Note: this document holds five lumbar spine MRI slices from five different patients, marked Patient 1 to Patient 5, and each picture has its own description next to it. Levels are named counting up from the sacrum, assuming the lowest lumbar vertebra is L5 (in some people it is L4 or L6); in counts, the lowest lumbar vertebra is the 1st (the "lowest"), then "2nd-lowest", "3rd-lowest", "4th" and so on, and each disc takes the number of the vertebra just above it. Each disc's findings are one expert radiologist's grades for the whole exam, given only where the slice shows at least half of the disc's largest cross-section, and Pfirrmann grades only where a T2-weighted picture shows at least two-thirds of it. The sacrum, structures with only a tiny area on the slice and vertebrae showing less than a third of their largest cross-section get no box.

Patient 1 of 5:
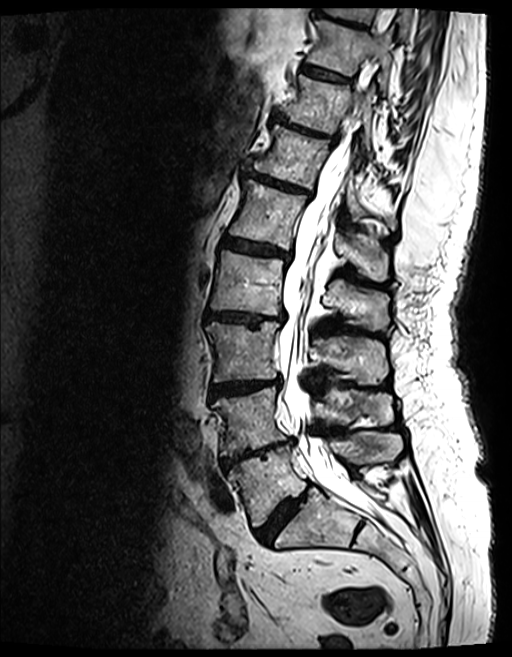

Image 512x657, Patient sex: F, MRI lumbar spine (T2 SPACE (3D)), sagittal plane
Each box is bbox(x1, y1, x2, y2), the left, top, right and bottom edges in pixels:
T10/T11 (8th disc) at bbox(302, 63, 350, 82); L3 (3rd-lowest vertebra) at bbox(206, 323, 387, 383); spinal canal at bbox(279, 68, 375, 515); intervertebral disc L3/L4 (3rd-lowest disc) at bbox(211, 380, 279, 396); T9/T10 (9th disc) at bbox(317, 6, 367, 28); L2/L3 (4th disc) at bbox(205, 310, 284, 324); T12/L1 (6th disc) at bbox(245, 170, 311, 196); L1 (5th vertebra) at bbox(229, 180, 388, 281); T12 (6th vertebra) at bbox(253, 125, 395, 229); L5 (lowest vertebra) at bbox(228, 433, 402, 526); L4/L5 (2nd-lowest disc) at bbox(221, 439, 293, 468); L4 (2nd-lowest vertebra) at bbox(212, 387, 393, 455); L2 (4th vertebra) at bbox(211, 250, 388, 329); L1/L2 (5th disc) at bbox(224, 238, 288, 260); intervertebral disc T11/T12 (7th disc) at bbox(273, 113, 336, 141); T10 (8th vertebra) at bbox(306, 20, 392, 90); T11 (7th vertebra) at bbox(280, 75, 373, 155); T9 (9th vertebra) at bbox(328, 8, 411, 39); intervertebral disc L5/S1 (lowest disc) at bbox(256, 485, 310, 543).

Per-level radiological findings:
• T11/T12 (7th disc): Pfirrmann grade 5, lower-endplate change, Modic type II, disc narrowing, disc bulging, upper-endplate change
• T10/T11 (8th disc): Pfirrmann grade 4, lower-endplate change, Modic type II, upper-endplate change
• L5/S1 (lowest disc): Pfirrmann grade 4, disc narrowing, disc bulging
• L2/L3 (4th disc): Pfirrmann grade 4, lower-endplate change, disc bulging, upper-endplate change, disc narrowing, Modic type II
• L1/L2 (5th disc): Pfirrmann grade 4, Modic type II, lower-endplate change, disc narrowing, disc bulging, upper-endplate change
• L3/L4 (3rd-lowest disc): Pfirrmann grade 4, lower-endplate change, disc bulging, upper-endplate change, Modic type II, disc narrowing
• L4/L5 (2nd-lowest disc): disc bulging, Modic type II, upper-endplate change, lower-endplate change, disc narrowing
• T9/T10 (9th disc): lower-endplate change, upper-endplate change, Modic type II, disc bulging
• T12/L1 (6th disc): Pfirrmann grade 4, lower-endplate change, upper-endplate change, Modic type II, disc bulging, disc narrowing

Patient 2 of 5:
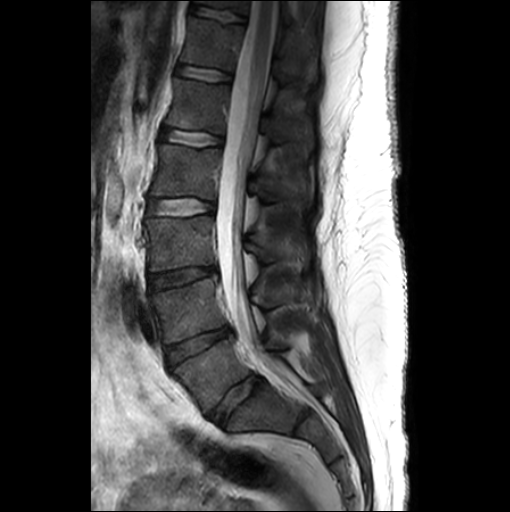
Patient sex: F; Sagittal T2-weighted lumbar spine MRI; 510x512 px; Slice 14 of 26
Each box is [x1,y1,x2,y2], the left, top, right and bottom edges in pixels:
T11 at [198,0,296,26], L4/L5 at [166,326,231,365], L2/L3 at [147,198,214,215], spinal canal at [216,0,277,362], L5 vertebra at [173,339,284,412], L3 at [144,216,302,271], L3/L4 at [148,267,216,290], intervertebral disc T11/T12 at [190,4,245,22], intervertebral disc L5/S1 at [208,375,263,425], L2 vertebra at [151,144,292,205], L4 at [149,278,290,343], intervertebral disc L1/L2 at [160,128,222,146], L1 vertebra at [166,77,280,140], T12 vertebra at [181,17,286,81], T12/L1 at [175,64,231,81].

Degenerative findings by level:
- L4/L5: Pfirrmann grade 3, disc bulging, disc narrowing
- T12/L1: Pfirrmann grade 1
- L2/L3: Pfirrmann grade 1
- L5/S1: Pfirrmann grade 3, disc bulging
- L3/L4: Pfirrmann grade 3, disc narrowing, disc bulging
- T11/T12: Pfirrmann grade 1
- L1/L2: Pfirrmann grade 1

Patient 3 of 5:
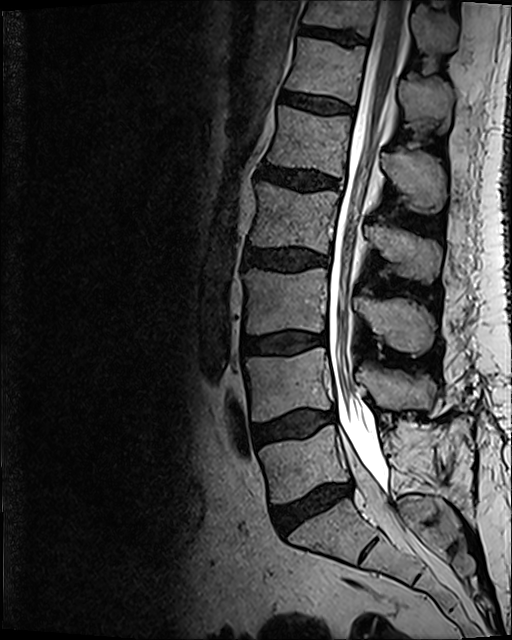
Slice spacing 0.9 mm; Patient sex: M; 512x640 px; Lumbar spine MR, T2 SPACE (3D), sagittal

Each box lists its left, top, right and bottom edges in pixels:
4th vertebra at left=251, top=182, right=441, bottom=282; 5th disc at left=258, top=161, right=337, bottom=190; 2nd-lowest disc at left=253, top=408, right=335, bottom=444; spinal canal at left=329, top=0, right=409, bottom=510; 2nd-lowest vertebra at left=246, top=350, right=436, bottom=421; lowest disc at left=272, top=486, right=351, bottom=533; 3rd-lowest vertebra at left=244, top=268, right=436, bottom=353; 7th vertebra at left=302, top=0, right=460, bottom=50; 6th disc at left=281, top=93, right=353, bottom=113; 5th vertebra at left=267, top=106, right=445, bottom=212; 3rd-lowest disc at left=244, top=332, right=320, bottom=354; lowest vertebra at left=259, top=424, right=433, bottom=503; 6th vertebra at left=286, top=38, right=453, bottom=130; 4th disc at left=243, top=247, right=327, bottom=270; 7th disc at left=299, top=25, right=365, bottom=45.

Per-level radiological findings:
• lowest disc: Pfirrmann grade 3, Modic type II, disc bulging, disc narrowing
• 4th disc: Pfirrmann grade 3, disc bulging
• 7th disc: Pfirrmann grade 3
• 6th disc: Pfirrmann grade 2
• 5th disc: Pfirrmann grade 3, disc bulging
• 3rd-lowest disc: Pfirrmann grade 2, disc bulging, Modic type II
• 2nd-lowest disc: Pfirrmann grade 2, disc bulging, Modic type II

Patient 4 of 5:
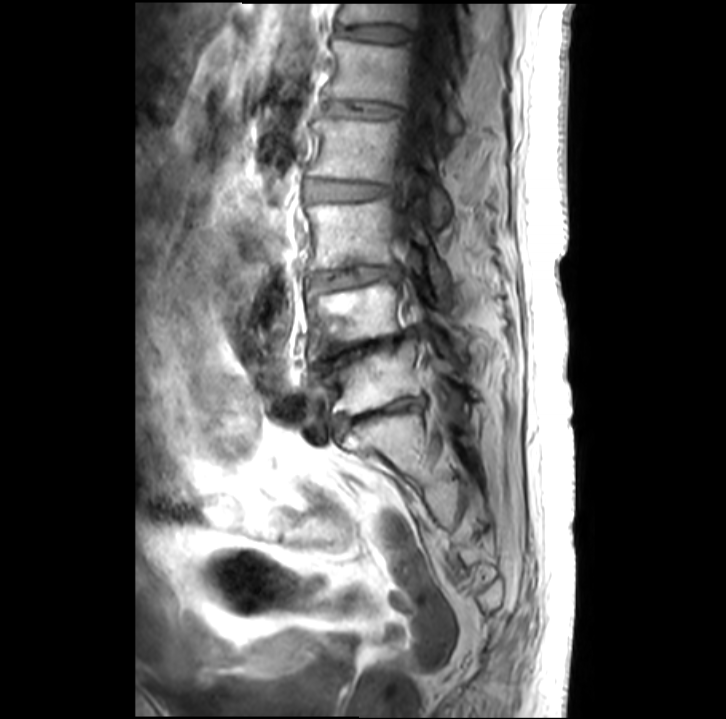
Image 726x719. Lumbar spine MR, T1-weighted, sagittal.
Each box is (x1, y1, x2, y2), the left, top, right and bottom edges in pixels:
Intervertebral disc L5/S1 at (333, 397, 423, 431), T12/L1 at (338, 24, 410, 39), L3/L4 at (309, 266, 398, 290), L2 vertebra at (309, 115, 450, 224), L3 vertebra at (306, 197, 448, 297), L2/L3 at (306, 179, 390, 198), intervertebral disc L4/L5 at (313, 330, 415, 371), L1/L2 at (325, 101, 401, 115), L5 at (318, 340, 476, 414), L4 at (307, 280, 468, 360), spinal canal at (399, 3, 450, 231), T12 at (339, 3, 473, 55), L1 vertebra at (325, 37, 463, 134).

Per-level radiological findings:
  L4/L5: disc narrowing
  L1/L2: disc bulging, disc narrowing
  T12/L1: disc bulging
  L3/L4: disc narrowing, Modic type II
  L5/S1: Modic type II, disc narrowing
  L2/L3: no herniation, bulging, narrowing, spondylolisthesis, endplate or Modic change recorded

Patient 5 of 5:
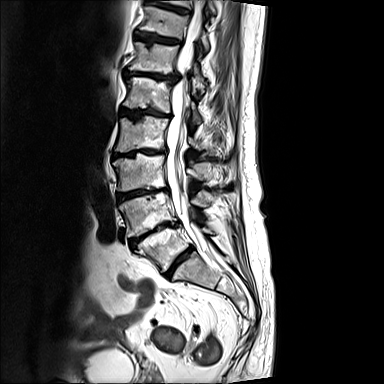 384x384 px; Sagittal T2-weighted lumbar spine MRI
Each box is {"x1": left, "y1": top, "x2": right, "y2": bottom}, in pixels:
Segmented structures:
* 7th disc: {"x1": 136, "y1": 32, "x2": 180, "y2": 44}
* lowest vertebra: {"x1": 136, "y1": 227, "x2": 212, "y2": 271}
* lowest disc: {"x1": 164, "y1": 246, "x2": 193, "y2": 276}
* 8th disc: {"x1": 145, "y1": 0, "x2": 188, "y2": 13}
* 3rd-lowest disc: {"x1": 117, "y1": 189, "x2": 168, "y2": 200}
* 6th disc: {"x1": 124, "y1": 70, "x2": 178, "y2": 81}
* 5th disc: {"x1": 120, "y1": 108, "x2": 170, "y2": 119}
* 6th vertebra: {"x1": 130, "y1": 42, "x2": 204, "y2": 90}
* 2nd-lowest disc: {"x1": 130, "y1": 222, "x2": 178, "y2": 247}
* 4th vertebra: {"x1": 114, "y1": 116, "x2": 201, "y2": 151}
* 7th vertebra: {"x1": 140, "y1": 6, "x2": 209, "y2": 51}
* 3rd-lowest vertebra: {"x1": 113, "y1": 153, "x2": 209, "y2": 191}
* 5th vertebra: {"x1": 124, "y1": 77, "x2": 202, "y2": 123}
* 2nd-lowest vertebra: {"x1": 120, "y1": 192, "x2": 234, "y2": 236}
* spinal canal: {"x1": 167, "y1": 0, "x2": 218, "y2": 259}
* 8th vertebra: {"x1": 161, "y1": 0, "x2": 216, "y2": 14}
* 4th disc: {"x1": 112, "y1": 148, "x2": 166, "y2": 158}

Expert MSK radiologist gradings (per disc):
- 2nd-lowest disc: Pfirrmann grade 5, upper-endplate change, disc bulging, disc narrowing, Modic type II, lower-endplate change
- 3rd-lowest disc: Pfirrmann grade 5, Modic type II, lower-endplate change, disc bulging, upper-endplate change, disc narrowing
- 4th disc: Pfirrmann grade 5, Modic type II, upper-endplate change, lower-endplate change, disc bulging, disc narrowing
- 5th disc: Pfirrmann grade 5, disc bulging, disc narrowing, lower-endplate change, upper-endplate change, Modic type II
- lowest disc: Pfirrmann grade 5, disc narrowing, Modic type II, disc bulging, lower-endplate change, upper-endplate change
- 7th disc: Pfirrmann grade 4, Modic type II, disc bulging, upper-endplate change, lower-endplate change
- 8th disc: Pfirrmann grade 4, disc bulging
- 6th disc: Pfirrmann grade 5, disc bulging, lower-endplate change, disc narrowing, Modic type II, upper-endplate change